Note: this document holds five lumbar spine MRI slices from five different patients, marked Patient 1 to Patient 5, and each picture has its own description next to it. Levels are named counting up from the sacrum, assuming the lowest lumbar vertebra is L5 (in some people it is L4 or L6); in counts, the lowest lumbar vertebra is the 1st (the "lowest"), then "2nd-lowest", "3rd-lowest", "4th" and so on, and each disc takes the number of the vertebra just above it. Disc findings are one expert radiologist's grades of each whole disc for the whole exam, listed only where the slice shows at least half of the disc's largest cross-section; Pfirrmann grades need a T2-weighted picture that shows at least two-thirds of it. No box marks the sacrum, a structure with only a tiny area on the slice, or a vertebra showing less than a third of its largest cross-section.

Patient 1 of 5:
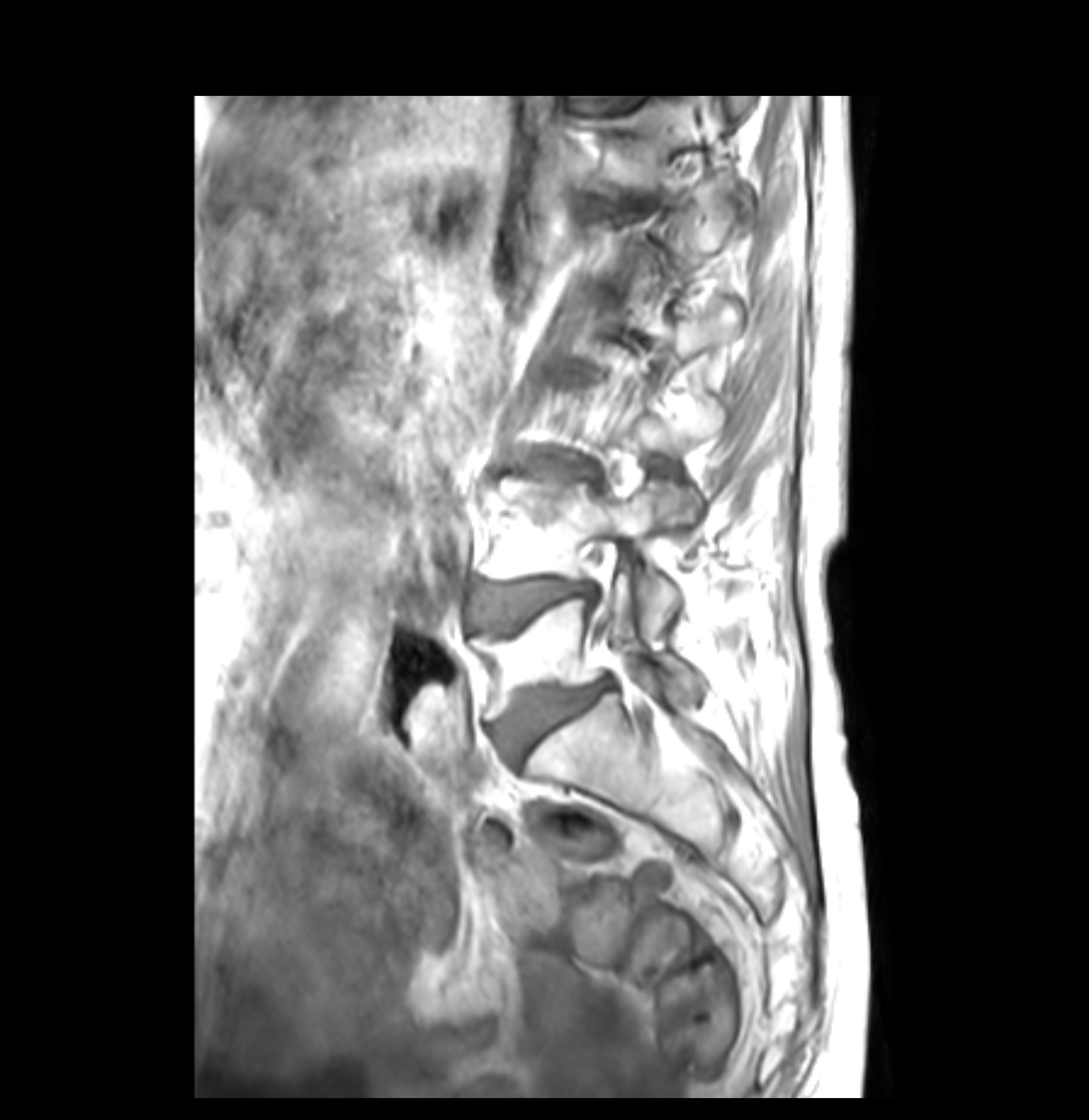
Lumbar spine MR, T1-weighted, sagittal, 1089x1120 px, Slice 12/36

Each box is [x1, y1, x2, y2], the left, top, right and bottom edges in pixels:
3rd-lowest disc at [499, 468, 600, 502], 6th vertebra at [610, 97, 721, 188], 2nd-lowest vertebra at [481, 481, 697, 634], lowest vertebra at [479, 576, 702, 719], 2nd-lowest disc at [474, 578, 585, 629], lowest disc at [496, 681, 610, 757].

Degenerative findings by level:
  lowest disc: Modic type II, upper-endplate change, disc bulging, lower-endplate change
  2nd-lowest disc: upper-endplate change, Modic type II, disc bulging, lower-endplate change

Patient 2 of 5:
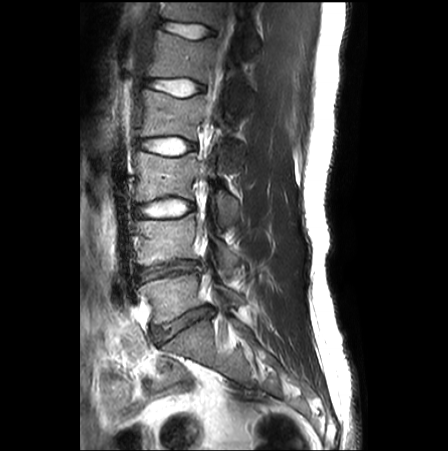 MRI lumbar spine (T2-weighted), sagittal plane | Sex M

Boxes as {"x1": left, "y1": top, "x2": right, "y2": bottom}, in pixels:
L1 = {"x1": 148, "y1": 31, "x2": 250, "y2": 110} | L2 = {"x1": 140, "y1": 90, "x2": 239, "y2": 167} | L4/L5 = {"x1": 139, "y1": 259, "x2": 198, "y2": 279} | L5 = {"x1": 139, "y1": 268, "x2": 242, "y2": 324} | L4 vertebra = {"x1": 136, "y1": 214, "x2": 237, "y2": 274} | T12/L1 = {"x1": 162, "y1": 21, "x2": 211, "y2": 38} | thecal sac / spinal canal = {"x1": 208, "y1": 2, "x2": 235, "y2": 114} | L5/S1 = {"x1": 154, "y1": 306, "x2": 210, "y2": 343} | IVD L1/L2 = {"x1": 145, "y1": 78, "x2": 203, "y2": 95} | T12 = {"x1": 162, "y1": 2, "x2": 259, "y2": 54} | IVD L2/L3 = {"x1": 138, "y1": 136, "x2": 195, "y2": 154} | L3/L4 = {"x1": 137, "y1": 199, "x2": 193, "y2": 217} | L3 vertebra = {"x1": 135, "y1": 152, "x2": 238, "y2": 227}

Per-level radiological findings:
- L1/L2: Pfirrmann grade 1
- L4/L5: Pfirrmann grade 3, disc bulging, disc narrowing
- L2/L3: Pfirrmann grade 1
- L3/L4: Pfirrmann grade 1
- T12/L1: Pfirrmann grade 1, lower-endplate change
- L5/S1: Pfirrmann grade 3, disc bulging, disc narrowing

Patient 3 of 5:
Lumbar spine MR, T2 SPACE (3D), sagittal, Slice 81 of 139, Sex F

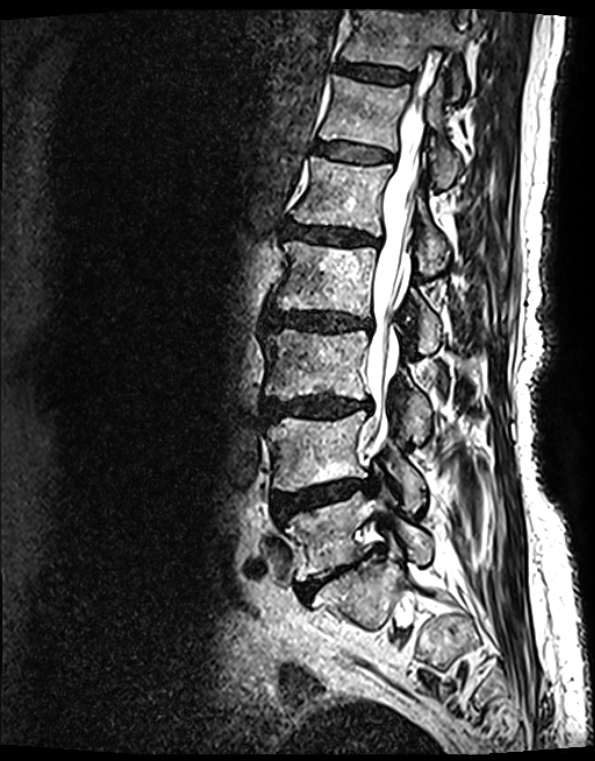
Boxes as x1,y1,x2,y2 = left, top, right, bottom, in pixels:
L1 (5th vertebra) at 294,158,449,275.
Thecal sac / spinal canal at 365,97,423,441.
Intervertebral disc L4/L5 (2nd-lowest disc) at 272,481,373,525.
Intervertebral disc T11/T12 (7th disc) at 337,63,411,85.
L2 (4th vertebra) at 276,242,440,354.
Intervertebral disc T12/L1 (6th disc) at 315,144,388,163.
T11 (7th vertebra) at 342,10,465,99.
T12 (6th vertebra) at 320,76,461,187.
L5/S1 (lowest disc) at 298,557,362,598.
Intervertebral disc L2/L3 (4th disc) at 267,313,370,330.
L5 (lowest vertebra) at 284,486,433,580.
Intervertebral disc L3/L4 (3rd-lowest disc) at 269,395,368,421.
L4 (2nd-lowest vertebra) at 267,412,424,510.
Intervertebral disc L1/L2 (5th disc) at 288,225,376,245.
L3 (3rd-lowest vertebra) at 265,330,429,440.

Radiological gradings:
• T11/T12 (7th disc): Pfirrmann grade 2, upper-endplate change, Modic type II, lower-endplate change
• L3/L4 (3rd-lowest disc): Pfirrmann grade 4, disc bulging, upper-endplate change, disc narrowing, Modic type II, lower-endplate change
• L2/L3 (4th disc): Pfirrmann grade 4, lower-endplate change, Modic type II, upper-endplate change, disc narrowing, disc bulging
• L4/L5 (2nd-lowest disc): Pfirrmann grade 4, disc bulging, upper-endplate change, disc narrowing, lower-endplate change, disc herniation, Modic type II
• T12/L1 (6th disc): Pfirrmann grade 2, Modic type II, upper-endplate change, lower-endplate change
• L1/L2 (5th disc): Pfirrmann grade 4, disc bulging, lower-endplate change, disc narrowing, upper-endplate change, Modic type II

Patient 4 of 5:
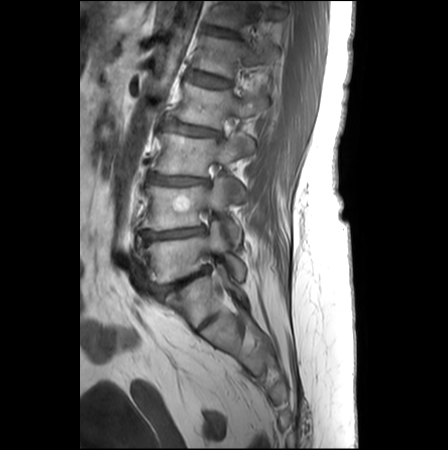

Sex F | 448x450 px | Sagittal T1-weighted lumbar spine MRI
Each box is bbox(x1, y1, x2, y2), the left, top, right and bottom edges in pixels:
IVD L2/L3: bbox(164, 122, 219, 137)
T12: bbox(209, 1, 283, 30)
IVD T12/L1: bbox(205, 27, 237, 36)
L3/L4: bbox(147, 173, 208, 183)
L1: bbox(193, 37, 278, 77)
IVD L4/L5: bbox(138, 226, 204, 244)
L5/S1: bbox(152, 265, 209, 299)
L4 vertebra: bbox(141, 177, 241, 245)
L3: bbox(150, 133, 254, 203)
L2: bbox(174, 82, 267, 128)
L5 vertebra: bbox(140, 222, 245, 283)
L1/L2: bbox(186, 71, 231, 87)

Degenerative findings by level:
  T12/L1: lower-endplate change
  L5/S1: lower-endplate change, Modic type II, disc bulging, disc narrowing, upper-endplate change
  L2/L3: upper-endplate change, lower-endplate change, Modic type II, disc narrowing, disc bulging
  L3/L4: Modic type II, disc bulging, lower-endplate change, disc narrowing, upper-endplate change
  L4/L5: disc bulging, upper-endplate change, disc narrowing, Modic type II, lower-endplate change
  L1/L2: no Modic or endplate change, herniation, narrowing, bulging or spondylolisthesis recorded

Patient 5 of 5:
MRI lumbar spine (T2-weighted), sagittal plane, Scanner: Philips Medical Systems Ingenia (1.5T), Image 862x861

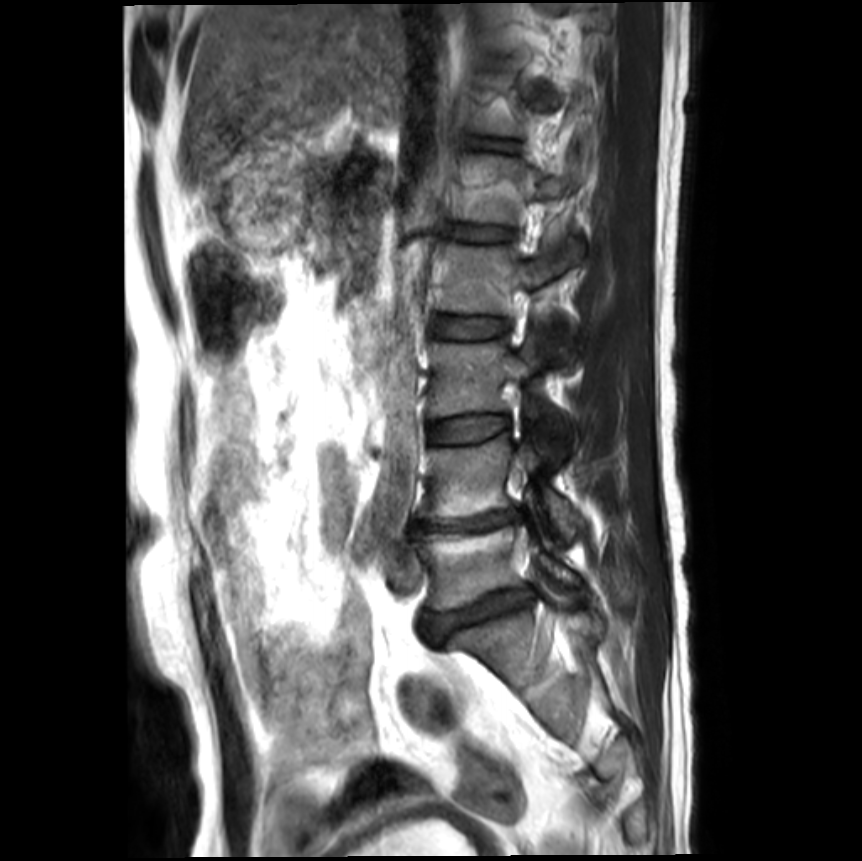 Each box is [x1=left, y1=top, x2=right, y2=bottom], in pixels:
L5/S1: [x1=420, y1=589, x2=531, y2=640].
L3 vertebra: [x1=428, y1=332, x2=538, y2=415].
L5: [x1=410, y1=525, x2=580, y2=610].
Intervertebral disc L4/L5: [x1=412, y1=507, x2=521, y2=533].
Intervertebral disc L3/L4: [x1=427, y1=415, x2=508, y2=442].
L1: [x1=459, y1=156, x2=585, y2=223].
L2 vertebra: [x1=438, y1=238, x2=582, y2=314].
L4: [x1=420, y1=435, x2=582, y2=539].
L2/L3: [x1=433, y1=315, x2=508, y2=337].
L1/L2: [x1=452, y1=226, x2=513, y2=240].

Radiological gradings:
• L5/S1: Pfirrmann grade 4, lower-endplate change, disc bulging, spondylolisthesis, disc narrowing, upper-endplate change
• L4/L5: Pfirrmann grade 5, upper-endplate change, Modic type II, disc narrowing, lower-endplate change, disc bulging
• L3/L4: Pfirrmann grade 1
• L2/L3: Pfirrmann grade 1
• L1/L2: no herniation, bulging, narrowing, spondylolisthesis, endplate or Modic change recorded